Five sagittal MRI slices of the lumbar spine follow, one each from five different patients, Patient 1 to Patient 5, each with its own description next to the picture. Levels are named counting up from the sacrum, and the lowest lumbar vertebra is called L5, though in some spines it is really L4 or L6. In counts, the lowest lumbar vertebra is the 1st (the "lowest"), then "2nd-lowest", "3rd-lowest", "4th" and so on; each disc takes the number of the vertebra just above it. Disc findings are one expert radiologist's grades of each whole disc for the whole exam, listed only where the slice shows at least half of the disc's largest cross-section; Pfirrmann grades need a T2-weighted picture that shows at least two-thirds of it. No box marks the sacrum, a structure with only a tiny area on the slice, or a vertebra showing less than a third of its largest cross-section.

Patient 1 of 5:
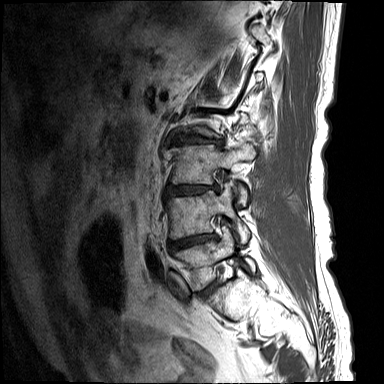
Sagittal T1-weighted lumbar spine MRI. Sagittal slice index 12. Slice spacing 4.4 mm. Sex M.

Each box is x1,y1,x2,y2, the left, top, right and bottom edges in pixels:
L4/L5 at 170,233,215,250; intervertebral disc L2/L3 at 175,136,222,146; L3 vertebra at 171,145,255,205; intervertebral disc L3/L4 at 165,184,219,196; L4 at 166,183,250,243; L5 vertebra at 173,227,255,290; L5/S1 at 198,281,218,297.

Per-level radiological findings:
  L4/L5: lower-endplate change, disc bulging, Modic type I, upper-endplate change, disc narrowing
  L2/L3: disc narrowing, disc bulging, lower-endplate change, Modic type II, upper-endplate change
  L3/L4: disc bulging, Modic type II, disc narrowing, disc herniation, upper-endplate change, lower-endplate change

Patient 2 of 5:
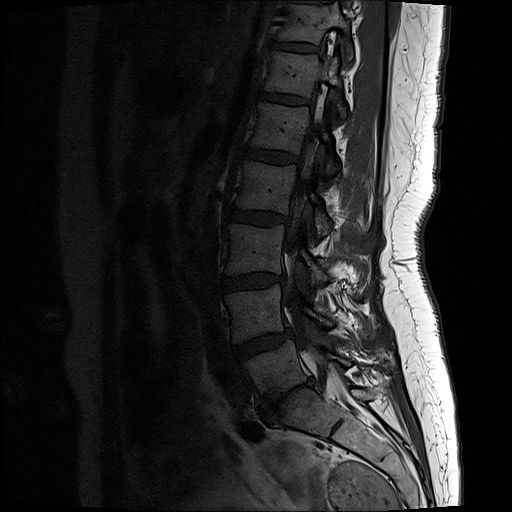 MRI lumbar spine (T1-weighted), sagittal plane

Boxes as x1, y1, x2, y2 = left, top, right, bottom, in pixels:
L1/L2: 243, 147, 300, 164.
L2/L3: 231, 207, 288, 224.
Spinal canal: 284, 118, 327, 372.
L3/L4: 222, 274, 283, 290.
T12/L1: 259, 91, 308, 104.
L2: 238, 162, 328, 237.
IVD T11/T12: 271, 39, 316, 50.
L1 vertebra: 253, 103, 335, 175.
L4 vertebra: 227, 284, 330, 341.
T12: 267, 51, 344, 113.
L3: 228, 225, 325, 287.
L5: 246, 340, 347, 405.
T11 vertebra: 280, 6, 350, 52.
L4/L5: 233, 330, 290, 358.
L5/S1: 260, 378, 313, 417.

Expert MSK radiologist gradings (per disc):
- L4/L5: disc bulging
- L5/S1: lower-endplate change, disc herniation, upper-endplate change, disc narrowing, Modic type III, disc bulging
- L3/L4: disc bulging
- L1/L2, T12/L1, T11/T12, L2/L3: no Modic or endplate change, herniation, narrowing, bulging or spondylolisthesis recorded

Patient 3 of 5:
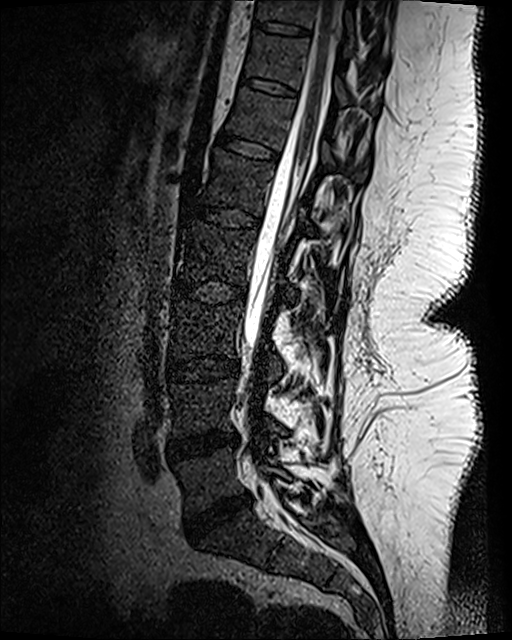 Field of view 240x300 mm, slice spacing 0.9 mm | Lumbar spine MR, T2 SPACE (3D), sagittal | Patient sex: F | 512x640 px

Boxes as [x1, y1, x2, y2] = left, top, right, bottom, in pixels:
Structures:
* L1 (5th vertebra) at [202, 149, 314, 236]
* L2/L3 (4th disc) at [173, 278, 247, 302]
* L2 (4th vertebra) at [177, 219, 296, 299]
* IVD L4/L5 (2nd-lowest disc) at [166, 433, 238, 460]
* T11 (7th vertebra) at [246, 31, 376, 113]
* L1/L2 (5th disc) at [179, 201, 261, 229]
* IVD T10/T11 (8th disc) at [253, 20, 311, 36]
* L3/L4 (3rd-lowest disc) at [168, 356, 236, 383]
* L5/S1 (lowest disc) at [185, 493, 250, 538]
* IVD T12/L1 (6th disc) at [215, 129, 278, 160]
* IVD T11/T12 (7th disc) at [240, 77, 298, 96]
* spinal canal at [243, 0, 342, 401]
* T12 (6th vertebra) at [227, 88, 368, 183]
* L5 (lowest vertebra) at [175, 449, 287, 514]
* L4 (2nd-lowest vertebra) at [171, 379, 284, 437]
* T10 (8th vertebra) at [256, 0, 384, 65]
* L3 (3rd-lowest vertebra) at [171, 301, 281, 382]

Per-level radiological findings:
- T12/L1 (6th disc): Pfirrmann grade 1
- T10/T11 (8th disc): Pfirrmann grade 1
- L3/L4 (3rd-lowest disc): Pfirrmann grade 1
- L2/L3 (4th disc): Pfirrmann grade 1
- T11/T12 (7th disc): Pfirrmann grade 1
- L1/L2 (5th disc): Pfirrmann grade 1
- L5/S1 (lowest disc): Pfirrmann grade 4, disc bulging, disc narrowing
- L4/L5 (2nd-lowest disc): Pfirrmann grade 3, disc narrowing, disc bulging

Patient 4 of 5:
Slice spacing 4.4 mm. Image 392x395. Slice 4 of 17. T2-weighted sagittal MRI of the lumbar spine. 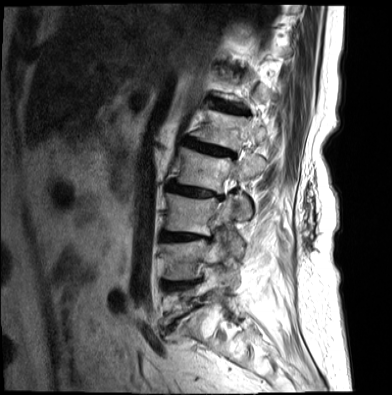 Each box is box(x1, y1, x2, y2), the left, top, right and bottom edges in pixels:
L5 vertebra at box(161, 271, 221, 325).
IVD L2/L3 at box(165, 181, 220, 198).
L3 vertebra at box(163, 193, 241, 256).
L4/L5 at box(161, 281, 188, 288).
T12/L1 at box(212, 99, 242, 113).
L1 at box(190, 110, 269, 151).
L3/L4 at box(159, 232, 206, 241).
L5/S1 at box(166, 314, 190, 333).
IVD L1/L2 at box(181, 137, 233, 157).
L2 at box(167, 147, 264, 220).
L4 at box(158, 238, 221, 280).

Degenerative findings by level:
- L3/L4: Pfirrmann grade 5, upper-endplate change, lower-endplate change, Modic type II, disc narrowing, disc bulging
- L1/L2: Pfirrmann grade 4, lower-endplate change, Modic type II, disc narrowing, upper-endplate change, disc bulging
- T12/L1: Pfirrmann grade 4, lower-endplate change, upper-endplate change, Modic type II, disc narrowing, disc bulging
- L2/L3: Pfirrmann grade 3, upper-endplate change, disc bulging, Modic type II, disc narrowing, lower-endplate change, disc herniation

Patient 5 of 5:
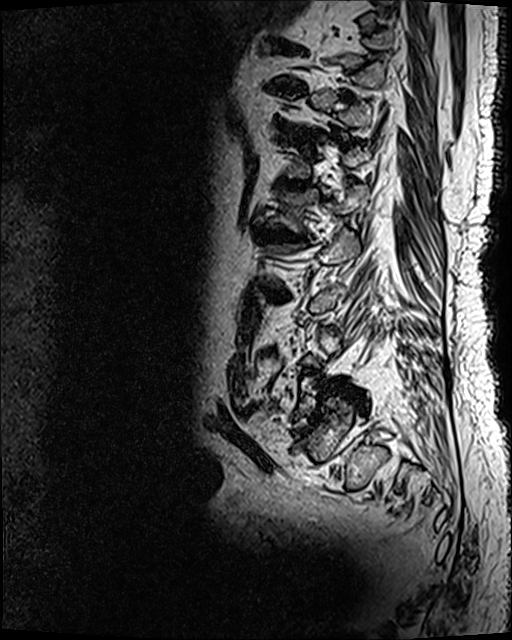 Sagittal T2 SPACE (3D) lumbar spine MRI; Sex M
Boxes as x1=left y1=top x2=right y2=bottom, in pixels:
Annotations:
* IVD T10/T11 (8th disc) at x1=267 y1=82 x2=306 y2=94
* T11/T12 (7th disc) at x1=282 y1=128 x2=320 y2=141
* L1 (5th vertebra) at x1=266 y1=182 x2=369 y2=233
* L2/L3 (4th disc) at x1=266 y1=289 x2=291 y2=300
* T12/L1 (6th disc) at x1=274 y1=176 x2=311 y2=190
* L1/L2 (5th disc) at x1=254 y1=227 x2=302 y2=244

Expert MSK radiologist gradings (per disc):
  L1/L2 (5th disc): upper-endplate change, Modic type II, disc bulging, lower-endplate change, disc narrowing